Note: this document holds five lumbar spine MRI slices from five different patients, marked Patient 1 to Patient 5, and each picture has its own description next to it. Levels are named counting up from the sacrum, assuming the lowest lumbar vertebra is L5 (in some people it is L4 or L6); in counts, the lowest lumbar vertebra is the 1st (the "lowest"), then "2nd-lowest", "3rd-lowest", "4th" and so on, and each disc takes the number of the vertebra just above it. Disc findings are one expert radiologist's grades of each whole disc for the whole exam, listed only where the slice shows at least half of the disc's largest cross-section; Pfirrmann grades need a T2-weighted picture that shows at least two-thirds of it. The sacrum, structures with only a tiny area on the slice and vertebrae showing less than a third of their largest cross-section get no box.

Patient 1 of 5:
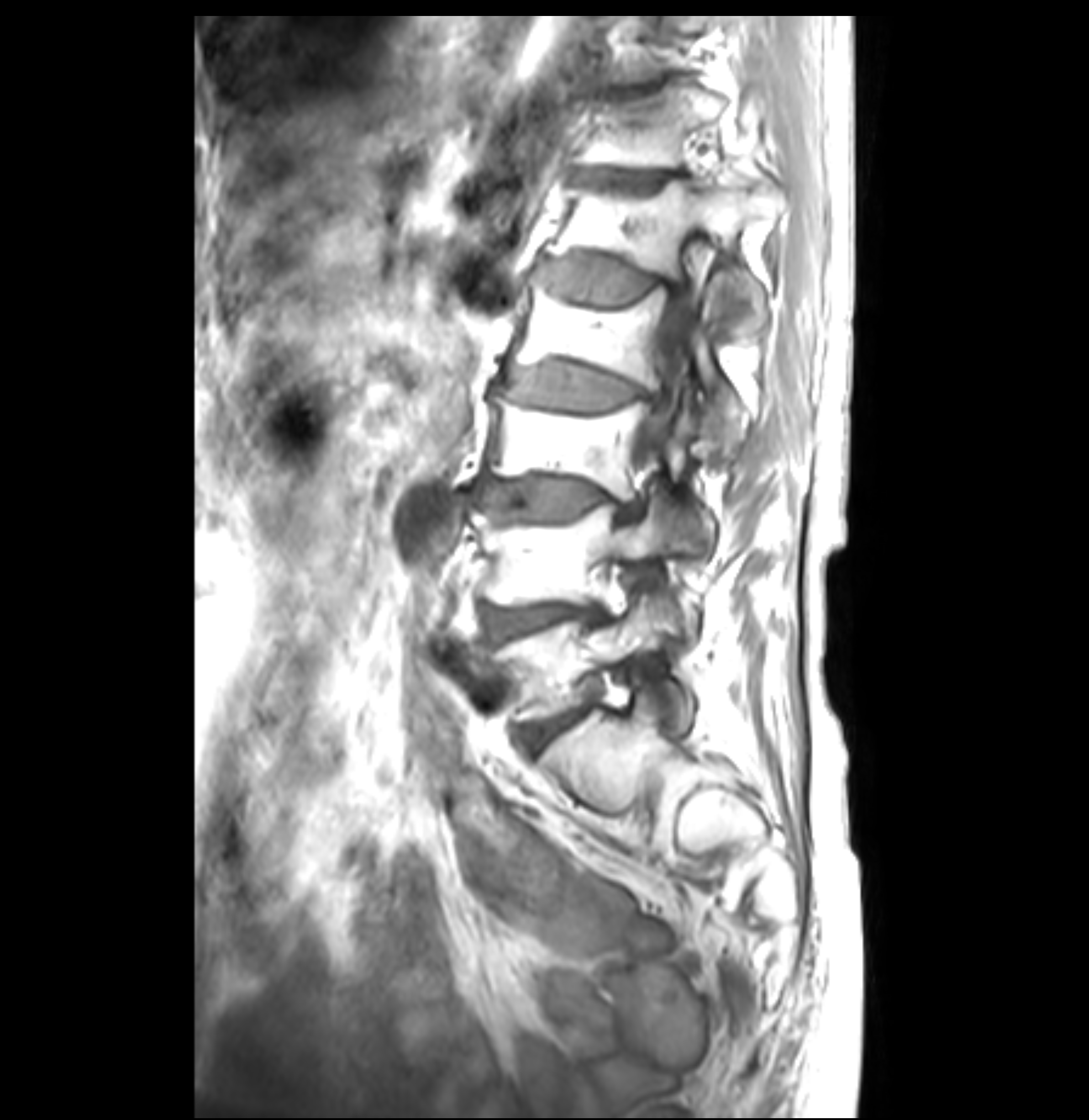 T1-weighted sagittal MRI of the lumbar spine; Sex F
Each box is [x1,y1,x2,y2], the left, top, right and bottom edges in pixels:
T12 vertebra at [574,87,729,169], L5 vertebra at [501,595,692,728], disc T11/T12 at [613,85,656,96], thecal sac / spinal canal at [635,238,705,474], L2/L3 at [508,360,663,407], L1/L2 at [540,258,688,305], disc L3/L4 at [481,478,642,518], disc L4/L5 at [484,606,605,637], L2 at [510,277,748,449], L1 at [547,172,775,337], L4 vertebra at [472,502,700,647], T12/L1 at [574,169,673,190], disc L5/S1 at [525,712,578,749], L3 at [489,389,714,539].

Per-level radiological findings:
  L3/L4: disc bulging, lower-endplate change, upper-endplate change, Modic type II, disc narrowing
  L1/L2: lower-endplate change, upper-endplate change, disc bulging, Modic type II
  L2/L3: upper-endplate change, disc bulging, lower-endplate change, disc narrowing, Modic type II

Patient 2 of 5:
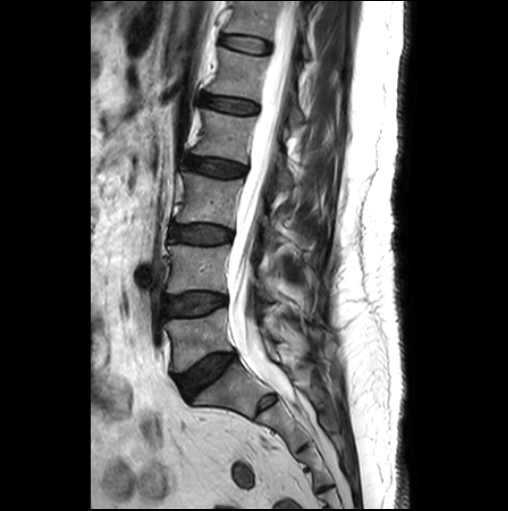 Sex M, Slice 12/26, Sagittal T2-weighted lumbar spine MRI
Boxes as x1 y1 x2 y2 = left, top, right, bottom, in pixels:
{"L1 (5th vertebra)": "208 47 304 125", "IVD L4/L5 (2nd-lowest disc)": "165 293 226 316", "T12 (6th vertebra)": "226 1 310 58", "IVD T12/L1 (6th disc)": "221 35 270 52", "spinal canal": "227 1 300 397", "L2/L3 (4th disc)": "185 156 245 176", "L5 (lowest vertebra)": "165 308 278 371", "L4 (2nd-lowest vertebra)": "167 244 272 300", "L2 (4th vertebra)": "193 109 294 188", "L1/L2 (5th disc)": "202 95 257 112", "L3 (3rd-lowest vertebra)": "176 172 280 250", "L3/L4 (3rd-lowest disc)": "171 225 232 243", "L5/S1 (lowest disc)": "176 353 235 398"}

Radiological gradings:
  T12/L1 (6th disc): Pfirrmann grade 1
  L5/S1 (lowest disc): Pfirrmann grade 3, Modic type II, disc bulging
  L2/L3 (4th disc): Pfirrmann grade 3
  L3/L4 (3rd-lowest disc): Pfirrmann grade 2
  L1/L2 (5th disc): Pfirrmann grade 2
  L4/L5 (2nd-lowest disc): Pfirrmann grade 2, Modic type II

Patient 3 of 5:
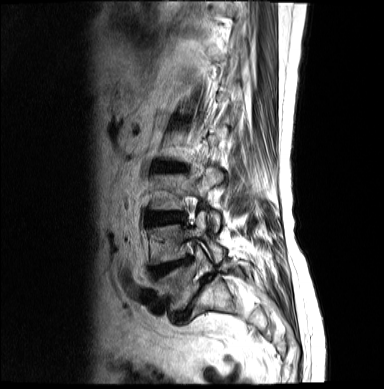 Sagittal slice index 13 | T2-weighted sagittal MRI of the lumbar spine
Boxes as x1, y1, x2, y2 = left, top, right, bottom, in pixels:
3rd-lowest vertebra: 151, 168, 223, 231 | 4th disc: 156, 163, 184, 171 | 2nd-lowest disc: 153, 260, 190, 278 | lowest disc: 175, 276, 213, 323 | 3rd-lowest disc: 147, 213, 186, 225 | 2nd-lowest vertebra: 152, 210, 225, 263 | lowest vertebra: 156, 244, 251, 312

Per-level radiological findings:
- 2nd-lowest disc: Modic type II, disc narrowing
- lowest disc: Pfirrmann grade 5, upper-endplate change, lower-endplate change, disc narrowing, disc herniation, spondylolisthesis, disc bulging, Modic type II
- 4th disc: disc bulging, disc narrowing, Modic type II
- 3rd-lowest disc: Pfirrmann grade 4, disc bulging

Patient 4 of 5:
512x640 px; Sagittal slice index 69; MRI lumbar spine (T2 SPACE (3D)), sagittal plane 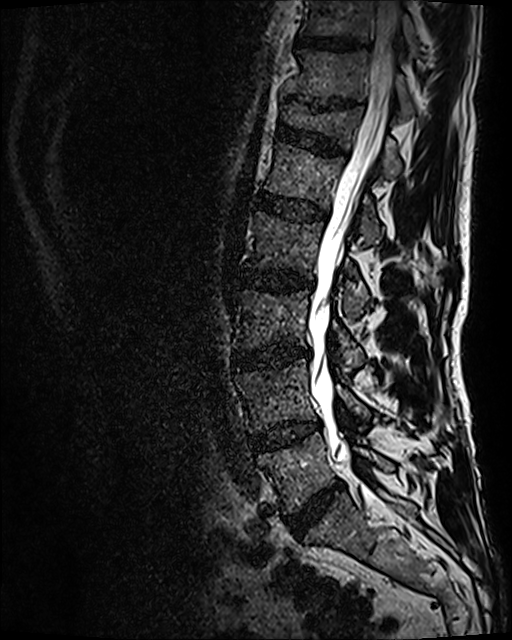 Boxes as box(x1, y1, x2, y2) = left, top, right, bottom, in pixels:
Spinal canal = box(308, 0, 398, 493).
T11 = box(286, 50, 413, 116).
L4 vertebra = box(236, 359, 370, 432).
T12 vertebra = box(280, 104, 401, 179).
L3 = box(232, 290, 364, 376).
L1/L2 = box(257, 192, 326, 221).
IVD L5/S1 = box(286, 483, 341, 535).
L2/L3 = box(236, 269, 313, 291).
L4/L5 = box(250, 422, 318, 452).
L5 vertebra = box(257, 432, 394, 514).
T10/T11 = box(296, 36, 359, 49).
L2 = box(248, 211, 369, 319).
IVD T11/T12 = box(313, 100, 350, 109).
L1 = box(265, 141, 379, 245).
IVD T12/L1 = box(276, 123, 344, 155).
T10 = box(301, 0, 424, 54).
L3/L4 = box(235, 346, 309, 368).

Expert MSK radiologist gradings (per disc):
- L5/S1: Pfirrmann grade 4, disc bulging, disc narrowing
- L3/L4: Pfirrmann grade 4, disc bulging, disc narrowing, Modic type II
- T12/L1: Pfirrmann grade 3, upper-endplate change, lower-endplate change
- L1/L2: Pfirrmann grade 3
- L4/L5: Pfirrmann grade 3, disc bulging, Modic type II
- L2/L3: Pfirrmann grade 3, disc bulging, Modic type II
- T11/T12: lower-endplate change, upper-endplate change, disc narrowing
- T10/T11: Pfirrmann grade 3

Patient 5 of 5:
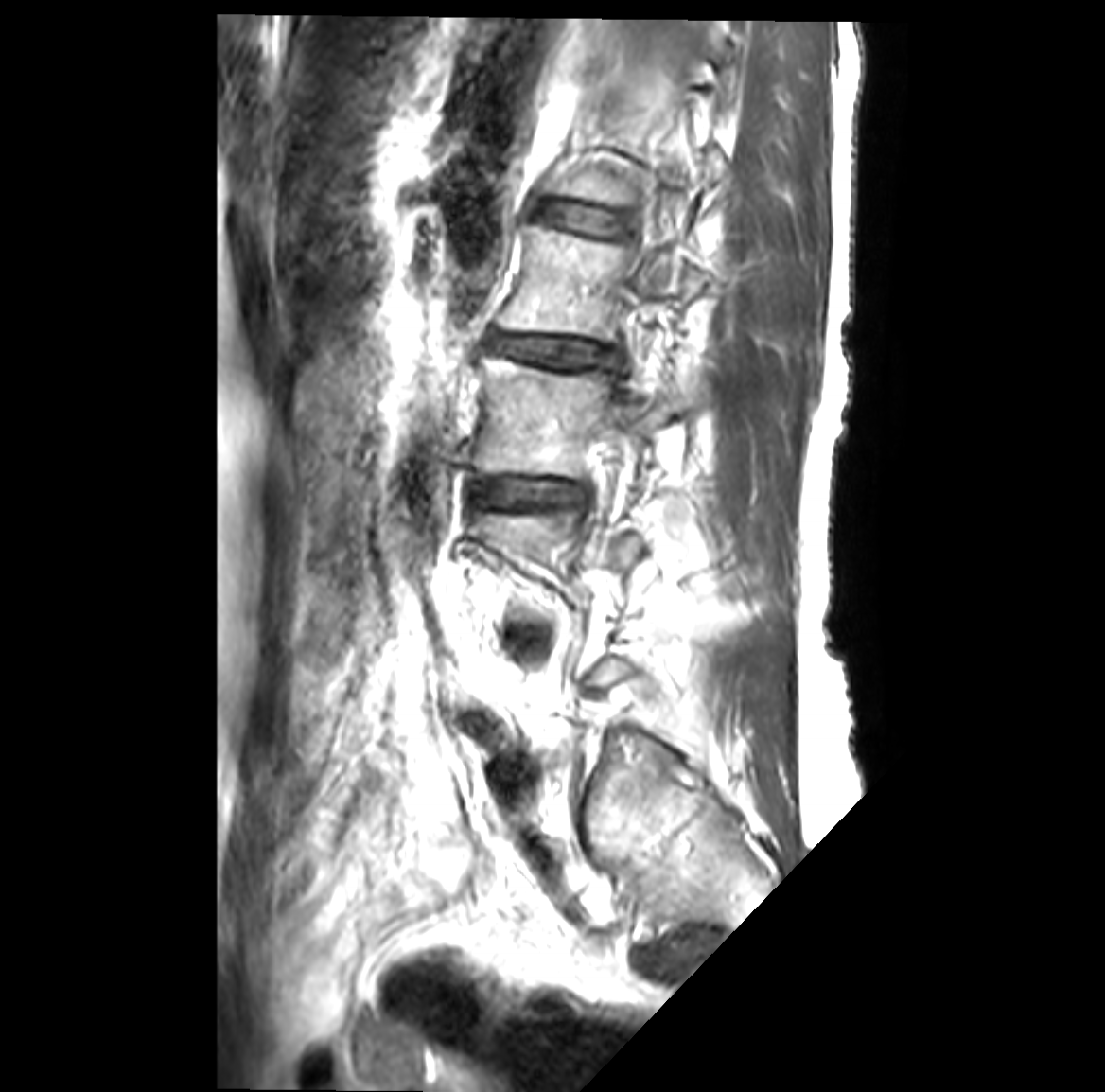
1105x1092 px; Sagittal T2-weighted lumbar spine MRI

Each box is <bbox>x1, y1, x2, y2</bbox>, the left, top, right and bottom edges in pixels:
- disc L1/L2 (5th disc): <bbox>538, 202, 623, 235</bbox>
- L4 (2nd-lowest vertebra): <bbox>475, 505, 645, 622</bbox>
- L2 (4th vertebra): <bbox>499, 224, 710, 340</bbox>
- L3 (3rd-lowest vertebra): <bbox>476, 354, 711, 478</bbox>
- L2/L3 (4th disc): <bbox>491, 333, 610, 367</bbox>
- L3/L4 (3rd-lowest disc): <bbox>476, 478, 588, 508</bbox>

Expert MSK radiologist gradings (per disc):
• L1/L2 (5th disc): Pfirrmann grade 1
• L3/L4 (3rd-lowest disc): Pfirrmann grade 3, Modic type II, disc bulging
• L2/L3 (4th disc): Pfirrmann grade 3, Modic type II, disc narrowing, disc bulging